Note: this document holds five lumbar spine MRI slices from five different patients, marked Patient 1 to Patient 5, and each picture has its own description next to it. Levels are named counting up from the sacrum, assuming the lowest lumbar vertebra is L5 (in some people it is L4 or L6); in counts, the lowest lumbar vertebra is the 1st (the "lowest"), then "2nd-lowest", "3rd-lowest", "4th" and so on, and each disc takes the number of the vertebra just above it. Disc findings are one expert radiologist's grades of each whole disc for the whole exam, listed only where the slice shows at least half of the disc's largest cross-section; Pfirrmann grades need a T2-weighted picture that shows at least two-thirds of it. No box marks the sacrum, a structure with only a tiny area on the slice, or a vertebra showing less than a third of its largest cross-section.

Patient 1 of 5:
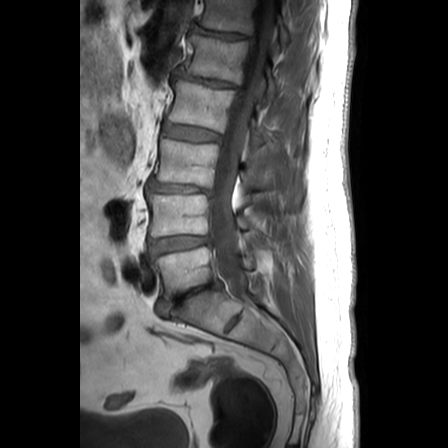

448x448 px. Slice spacing 3.3 mm. Sagittal T1-weighted lumbar spine MRI. Slice 14 of 25.

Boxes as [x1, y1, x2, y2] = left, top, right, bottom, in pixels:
L5 (lowest vertebra): [152, 246, 253, 299] | L4 (2nd-lowest vertebra): [147, 193, 249, 236] | IVD L5/S1 (lowest disc): [157, 281, 221, 317] | L2 (4th vertebra): [167, 79, 265, 144] | IVD L2/L3 (4th disc): [163, 125, 220, 140] | IVD T12/L1 (6th disc): [192, 25, 251, 39] | L1 (5th vertebra): [185, 34, 276, 100] | L1/L2 (5th disc): [175, 70, 235, 87] | thecal sac / spinal canal: [209, 0, 274, 294] | T12 (6th vertebra): [198, 0, 290, 45] | IVD L4/L5 (2nd-lowest disc): [149, 236, 208, 254] | L3/L4 (3rd-lowest disc): [148, 180, 211, 194] | L3 (3rd-lowest vertebra): [153, 139, 268, 188]

Expert MSK radiologist gradings (per disc):
- L1/L2 (5th disc): disc bulging, disc narrowing
- L4/L5 (2nd-lowest disc): disc bulging
- L5/S1 (lowest disc): disc narrowing, disc bulging
- L3/L4 (3rd-lowest disc): disc herniation, disc narrowing
- T12/L1 (6th disc): disc narrowing, disc bulging
- L2/L3 (4th disc): no Modic or endplate change, herniation, narrowing, bulging or spondylolisthesis recorded

Patient 2 of 5:
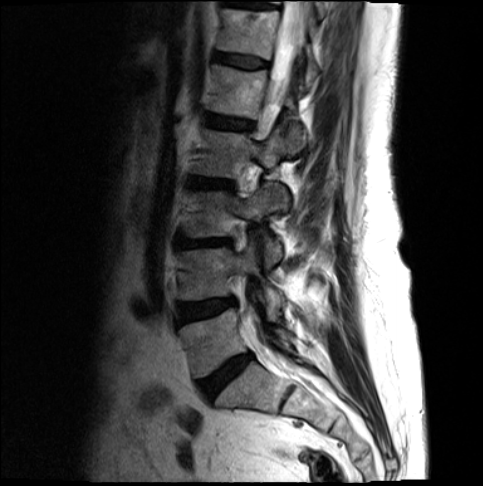 483x486 px | T2-weighted sagittal MRI of the lumbar spine

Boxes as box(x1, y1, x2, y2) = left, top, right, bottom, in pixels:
Spinal canal at box(261, 2, 302, 362); L4 at box(176, 239, 283, 318); T12 vertebra at box(215, 8, 317, 84); L3 vertebra at box(182, 184, 279, 268); L4/L5 at box(176, 298, 236, 322); L5 at box(177, 308, 291, 377); L1/L2 at box(202, 113, 249, 128); L5/S1 at box(199, 354, 250, 399); disc L2/L3 at box(190, 177, 233, 188); L2 vertebra at box(191, 128, 287, 208); L1 at box(205, 64, 303, 151); disc T12/L1 at box(212, 53, 264, 67); L3/L4 at box(177, 239, 229, 247).

Radiological gradings:
- L5/S1: Pfirrmann grade 4, disc bulging
- L2/L3: disc bulging
- L1/L2: Pfirrmann grade 3, disc bulging
- T12/L1: Pfirrmann grade 3
- L4/L5: Pfirrmann grade 3, disc bulging

Patient 3 of 5:
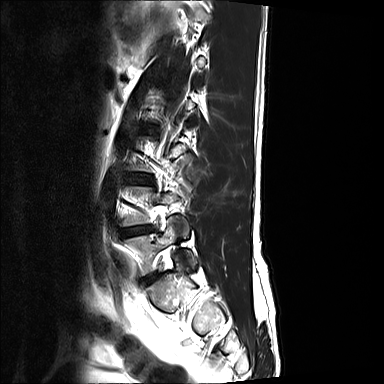 Lumbar spine MR, T2-weighted, sagittal
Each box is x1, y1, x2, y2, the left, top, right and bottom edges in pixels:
L4/L5: 120, 226, 153, 236
IVD L3/L4: 130, 174, 146, 182
L5/S1: 142, 273, 159, 282
L5: 124, 223, 196, 273

Patient 4 of 5:
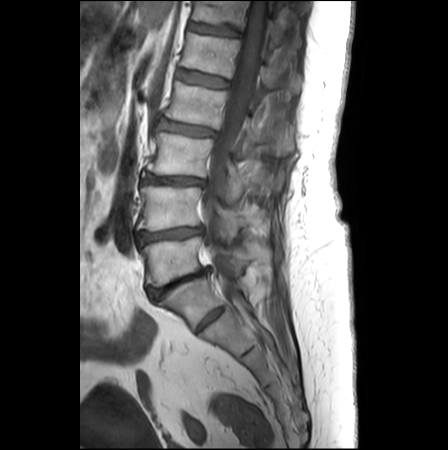 Slice spacing 3.3 mm, MRI lumbar spine (T1-weighted), sagittal plane, Image 448x450, Slice 11/25
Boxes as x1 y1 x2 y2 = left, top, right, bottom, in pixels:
{"L3 (3rd-lowest vertebra)": "147 133 246 204", "L4 (2nd-lowest vertebra)": "139 186 243 242", "L5 (lowest vertebra)": "142 236 252 285", "disc L4/L5 (2nd-lowest disc)": "137 226 202 243", "T12 (6th vertebra)": "193 1 297 47", "disc T12/L1 (6th disc)": "190 22 238 35", "L1 (5th vertebra)": "181 33 300 97", "disc L1/L2 (5th disc)": "178 69 228 87", "L2/L3 (4th disc)": "157 117 215 136", "L5/S1 (lowest disc)": "149 267 210 299", "thecal sac / spinal canal": "201 1 268 302", "L3/L4 (3rd-lowest disc)": "143 174 203 183", "L2 (4th vertebra)": "165 82 293 157"}

Expert MSK radiologist gradings (per disc):
  T12/L1 (6th disc): lower-endplate change
  L2/L3 (4th disc): Modic type II, upper-endplate change, disc bulging, lower-endplate change, disc narrowing
  L4/L5 (2nd-lowest disc): disc narrowing, disc bulging, Modic type II, upper-endplate change, lower-endplate change
  L3/L4 (3rd-lowest disc): Modic type II, disc bulging, lower-endplate change, disc narrowing, upper-endplate change
  L5/S1 (lowest disc): Modic type II, lower-endplate change, disc narrowing, disc bulging, upper-endplate change
  L1/L2 (5th disc): no herniation, bulging, narrowing, spondylolisthesis, endplate or Modic change recorded

Patient 5 of 5:
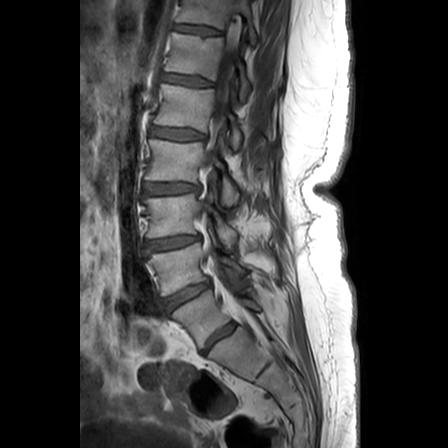 Lumbar spine MR, T1-weighted, sagittal. Sex F. Field of view 280x280 mm, slice spacing 3.3 mm. Sagittal slice index 9.
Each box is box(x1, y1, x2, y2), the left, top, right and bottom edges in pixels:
L5/S1: box(200, 322, 236, 354)
L2: box(146, 139, 239, 207)
disc L1/L2: box(150, 126, 204, 140)
T11: box(177, 0, 258, 44)
L3: box(146, 192, 237, 247)
spinal canal: box(201, 10, 240, 213)
disc T12/L1: box(162, 74, 212, 86)
L3/L4: box(146, 235, 200, 250)
disc T11/T12: box(175, 25, 220, 35)
disc L4/L5: box(164, 283, 207, 310)
L5 vertebra: box(173, 290, 261, 348)
disc L2/L3: box(144, 183, 198, 194)
T12 vertebra: box(165, 32, 251, 102)
L1: box(154, 84, 241, 149)
L4 vertebra: box(150, 243, 248, 295)

Per-level radiological findings:
• L2/L3: disc bulging, upper-endplate change, lower-endplate change
• T11/T12: lower-endplate change, upper-endplate change
• L1/L2: disc bulging, upper-endplate change, lower-endplate change
• L3/L4: disc bulging, lower-endplate change, upper-endplate change
• T12/L1: upper-endplate change, lower-endplate change
• L4/L5: disc narrowing, disc bulging
• L5/S1: no spondylolisthesis, narrowing, bulging, herniation, Modic or endplate change recorded